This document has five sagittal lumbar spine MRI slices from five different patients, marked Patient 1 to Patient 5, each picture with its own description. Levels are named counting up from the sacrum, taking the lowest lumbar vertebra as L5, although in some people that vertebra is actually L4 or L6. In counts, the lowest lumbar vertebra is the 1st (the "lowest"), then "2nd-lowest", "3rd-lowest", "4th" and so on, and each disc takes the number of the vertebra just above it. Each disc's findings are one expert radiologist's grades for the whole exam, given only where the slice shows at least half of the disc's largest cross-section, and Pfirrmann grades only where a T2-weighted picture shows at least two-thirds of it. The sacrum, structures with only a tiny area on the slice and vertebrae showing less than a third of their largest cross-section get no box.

Patient 1 of 5:
448x448 px, MRI lumbar spine (T2-weighted), sagittal plane, Sex M

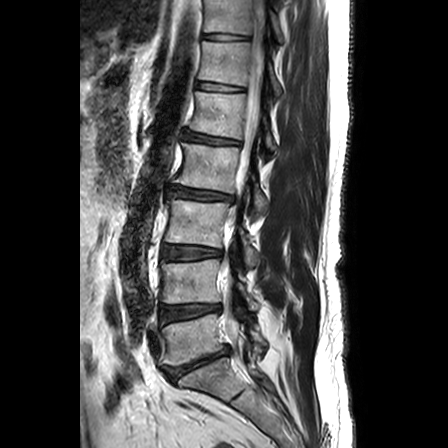
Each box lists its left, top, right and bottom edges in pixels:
Thecal sac / spinal canal: left=221, top=0, right=266, bottom=347.
Lowest disc: left=166, top=345, right=230, bottom=381.
5th vertebra: left=190, top=91, right=276, bottom=149.
3rd-lowest vertebra: left=165, top=199, right=258, bottom=266.
6th vertebra: left=198, top=41, right=281, bottom=95.
2nd-lowest disc: left=160, top=304, right=219, bottom=322.
7th disc: left=202, top=34, right=246, bottom=39.
6th disc: left=197, top=81, right=241, bottom=91.
5th disc: left=185, top=132, right=238, bottom=144.
2nd-lowest vertebra: left=161, top=259, right=258, bottom=309.
4th disc: left=168, top=187, right=232, bottom=200.
7th vertebra: left=204, top=0, right=283, bottom=42.
4th vertebra: left=175, top=143, right=268, bottom=213.
Lowest vertebra: left=159, top=314, right=265, bottom=368.
3rd-lowest disc: left=162, top=245, right=222, bottom=259.

Expert MSK radiologist gradings (per disc):
  5th disc: Pfirrmann grade 3, upper-endplate change, lower-endplate change, Modic type II, disc bulging
  lowest disc: Pfirrmann grade 5, lower-endplate change, spondylolisthesis, disc bulging, Modic type II, upper-endplate change, disc herniation, disc narrowing
  3rd-lowest disc: Pfirrmann grade 2, disc bulging
  2nd-lowest disc: Pfirrmann grade 3, disc narrowing, disc bulging
  4th disc: Pfirrmann grade 3, disc bulging
  7th disc: Pfirrmann grade 1
  6th disc: Pfirrmann grade 1

Patient 2 of 5:
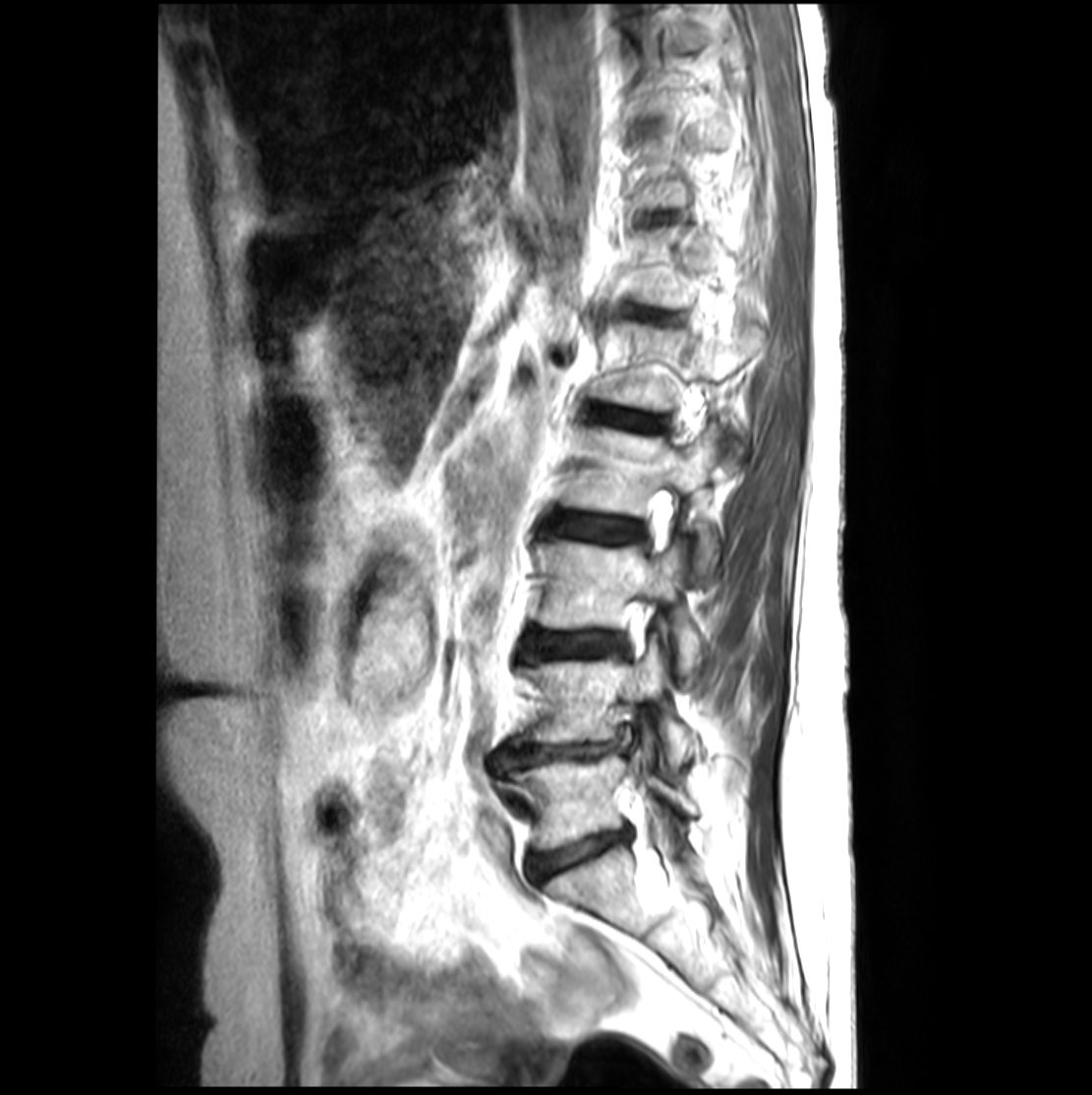

Sagittal T2-weighted lumbar spine MRI
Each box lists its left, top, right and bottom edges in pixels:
Annotations:
• L3 vertebra = left=537, top=541, right=703, bottom=674
• T12 vertebra = left=636, top=224, right=714, bottom=309
• L4 = left=515, top=640, right=699, bottom=768
• L3/L4 = left=527, top=632, right=624, bottom=657
• L1/L2 = left=592, top=407, right=663, bottom=431
• L2/L3 = left=547, top=512, right=643, bottom=542
• L1 vertebra = left=593, top=323, right=766, bottom=410
• L5/S1 = left=529, top=831, right=627, bottom=879
• L5 vertebra = left=510, top=731, right=699, bottom=849
• L2 = left=563, top=424, right=721, bottom=559
• intervertebral disc L4/L5 = left=498, top=743, right=613, bottom=768
• intervertebral disc T11/T12 = left=650, top=212, right=677, bottom=223

Expert MSK radiologist gradings (per disc):
• L5/S1: Pfirrmann grade 4, disc bulging, disc narrowing
• L4/L5: Pfirrmann grade 4, disc herniation, disc narrowing, lower-endplate change, upper-endplate change, disc bulging
• L3/L4: Pfirrmann grade 3, upper-endplate change, lower-endplate change
• L2/L3: Pfirrmann grade 3, lower-endplate change, upper-endplate change
• L1/L2: upper-endplate change, lower-endplate change

Patient 3 of 5:
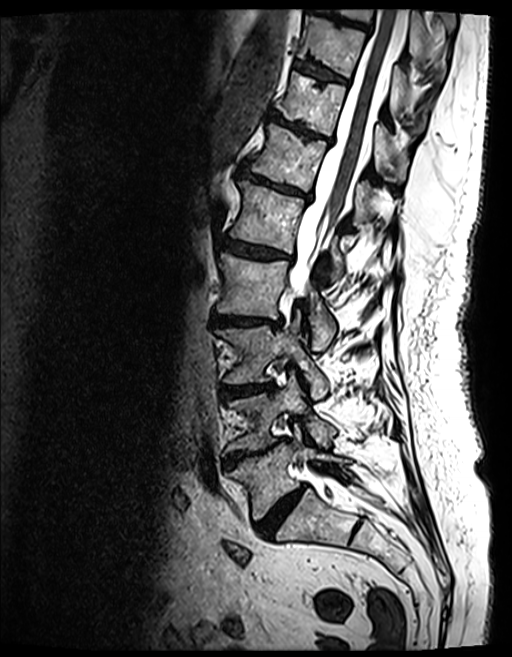 T2 SPACE (3D) sagittal MRI of the lumbar spine.
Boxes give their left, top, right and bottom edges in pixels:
L3 = left=214, top=322, right=327, bottom=398.
IVD L2/L3 = left=211, top=314, right=281, bottom=328.
T11 vertebra = left=279, top=72, right=407, bottom=184.
T11/T12 = left=269, top=113, right=332, bottom=142.
L5 = left=228, top=426, right=346, bottom=519.
T9 = left=329, top=8, right=446, bottom=81.
T9/T10 = left=311, top=3, right=368, bottom=30.
L4 vertebra = left=226, top=376, right=336, bottom=451.
IVD T12/L1 = left=239, top=167, right=310, bottom=200.
L2 vertebra = left=218, top=253, right=335, bottom=350.
T10 = left=299, top=15, right=426, bottom=133.
T12 = left=247, top=125, right=392, bottom=223.
IVD T10/T11 = left=296, top=61, right=347, bottom=83.
L1 vertebra = left=229, top=181, right=344, bottom=274.
IVD L1/L2 = left=224, top=240, right=287, bottom=259.
L5/S1 = left=258, top=486, right=306, bottom=536.
Thecal sac / spinal canal = left=286, top=9, right=405, bottom=484.
IVD L4/L5 = left=225, top=439, right=287, bottom=466.
L3/L4 = left=220, top=383, right=273, bottom=396.

Per-level radiological findings:
• T11/T12: Pfirrmann grade 5, lower-endplate change, Modic type II, disc narrowing, disc bulging, upper-endplate change
• L2/L3: Pfirrmann grade 4, disc narrowing, upper-endplate change, Modic type II, lower-endplate change, disc bulging
• L1/L2: Pfirrmann grade 4, Modic type II, disc bulging, lower-endplate change, disc narrowing, upper-endplate change
• L3/L4: upper-endplate change, lower-endplate change, disc narrowing, disc bulging, Modic type II
• T12/L1: Pfirrmann grade 4, disc bulging, upper-endplate change, disc narrowing, lower-endplate change, Modic type II
• T9/T10: Pfirrmann grade 4, upper-endplate change, Modic type II, lower-endplate change, disc bulging
• T10/T11: Pfirrmann grade 4, lower-endplate change, upper-endplate change, Modic type II
• L5/S1: Pfirrmann grade 4, disc bulging, disc narrowing

Patient 4 of 5:
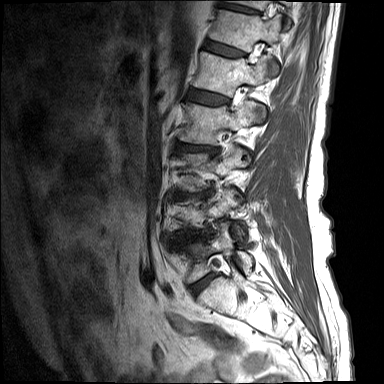 T1-weighted sagittal MRI of the lumbar spine, Sagittal slice index 2, 384x384 px

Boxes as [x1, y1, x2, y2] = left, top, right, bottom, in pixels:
L2 (4th vertebra) at [181, 101, 265, 145], T12/L1 (6th disc) at [204, 40, 246, 58], L1/L2 (5th disc) at [187, 88, 228, 105], disc L5/S1 (lowest disc) at [192, 274, 214, 295], T12 (6th vertebra) at [210, 10, 282, 76], T11 (7th vertebra) at [227, 0, 290, 9], L5 (lowest vertebra) at [187, 222, 252, 281], L1 (5th vertebra) at [194, 52, 271, 96], disc T11/T12 (7th disc) at [220, 1, 257, 13], L2/L3 (4th disc) at [178, 143, 215, 151].

Radiological gradings:
- T11/T12 (7th disc): lower-endplate change, upper-endplate change
- L2/L3 (4th disc): lower-endplate change, disc bulging, Modic type II, upper-endplate change, disc narrowing
- L1/L2 (5th disc), T12/L1 (6th disc): no herniation, bulging, narrowing, spondylolisthesis, endplate or Modic change recorded

Patient 5 of 5:
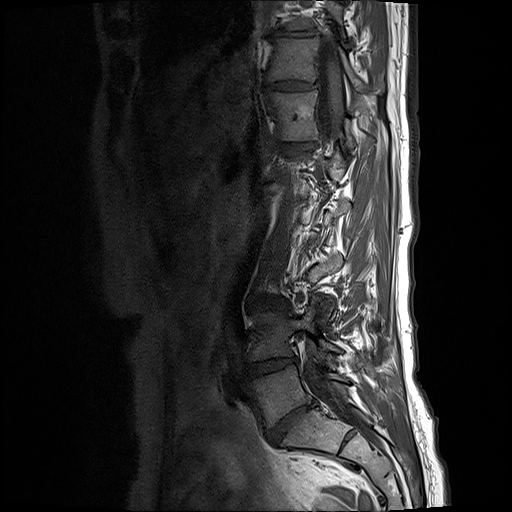 512x512 px; Lumbar spine MR, T1-weighted, sagittal; Field of view 300x300 mm

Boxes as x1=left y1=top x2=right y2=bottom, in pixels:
L5/S1 (lowest disc) at x1=266 y1=403 x2=313 y2=442, T10/T11 (8th disc) at x1=275 y1=30 x2=318 y2=37, L4/L5 (2nd-lowest disc) at x1=244 y1=358 x2=295 y2=378, T11/T12 (7th disc) at x1=262 y1=80 x2=318 y2=92, L4 (2nd-lowest vertebra) at x1=249 y1=297 x2=374 y2=360, L3/L4 (3rd-lowest disc) at x1=253 y1=299 x2=285 y2=309, spinal canal at x1=302 y1=39 x2=377 y2=443, L5 (lowest vertebra) at x1=250 y1=363 x2=346 y2=427, T11 (7th vertebra) at x1=266 y1=38 x2=384 y2=93, T12 (6th vertebra) at x1=266 y1=91 x2=353 y2=148, T12/L1 (6th disc) at x1=282 y1=143 x2=311 y2=151.

Per-level radiological findings:
- T10/T11 (8th disc): disc narrowing, disc bulging
- L4/L5 (2nd-lowest disc): disc narrowing, disc bulging, Modic type II
- L5/S1 (lowest disc): disc narrowing, lower-endplate change, Modic type II, disc bulging, upper-endplate change
- T11/T12 (7th disc): disc bulging, disc narrowing